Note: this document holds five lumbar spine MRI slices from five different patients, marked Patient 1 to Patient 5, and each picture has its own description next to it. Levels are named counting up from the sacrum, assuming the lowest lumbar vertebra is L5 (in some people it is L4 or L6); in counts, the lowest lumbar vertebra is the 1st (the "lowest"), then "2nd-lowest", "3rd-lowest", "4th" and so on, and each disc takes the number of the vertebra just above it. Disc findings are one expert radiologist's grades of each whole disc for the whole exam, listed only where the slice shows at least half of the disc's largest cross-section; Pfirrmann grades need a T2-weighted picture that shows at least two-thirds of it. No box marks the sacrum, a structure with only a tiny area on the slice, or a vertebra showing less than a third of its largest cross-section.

Patient 1 of 5:
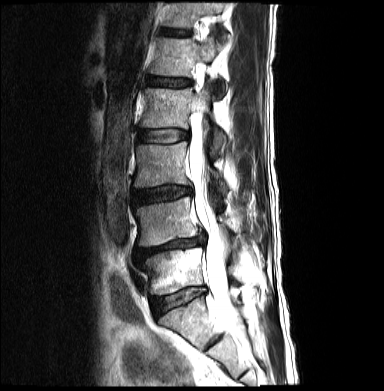 Sagittal slice index 11; Sagittal T2-weighted lumbar spine MRI; Sex M; 384x391 px

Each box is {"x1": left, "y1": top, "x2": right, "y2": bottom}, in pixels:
Disc L2/L3 = {"x1": 137, "y1": 129, "x2": 188, "y2": 142}.
L3 vertebra = {"x1": 134, "y1": 141, "x2": 228, "y2": 193}.
Spinal canal = {"x1": 189, "y1": 107, "x2": 238, "y2": 324}.
L1 = {"x1": 150, "y1": 36, "x2": 225, "y2": 94}.
L4 vertebra = {"x1": 135, "y1": 197, "x2": 239, "y2": 246}.
L2 vertebra = {"x1": 141, "y1": 87, "x2": 226, "y2": 151}.
L5/S1 = {"x1": 151, "y1": 287, "x2": 205, "y2": 313}.
Disc L1/L2 = {"x1": 146, "y1": 77, "x2": 191, "y2": 88}.
L5 = {"x1": 140, "y1": 248, "x2": 238, "y2": 294}.
L4/L5 = {"x1": 135, "y1": 236, "x2": 205, "y2": 261}.
Disc T12/L1 = {"x1": 161, "y1": 29, "x2": 191, "y2": 35}.
L3/L4 = {"x1": 133, "y1": 185, "x2": 191, "y2": 205}.
T12 = {"x1": 163, "y1": 3, "x2": 227, "y2": 40}.

Expert MSK radiologist gradings (per disc):
- L2/L3: Pfirrmann grade 2
- L3/L4: Pfirrmann grade 3, disc bulging, disc narrowing
- L1/L2: Pfirrmann grade 2
- L4/L5: Pfirrmann grade 5, Modic type II, disc bulging, disc narrowing, disc herniation, upper-endplate change, lower-endplate change
- L5/S1: Pfirrmann grade 2, Modic type II

Patient 2 of 5:
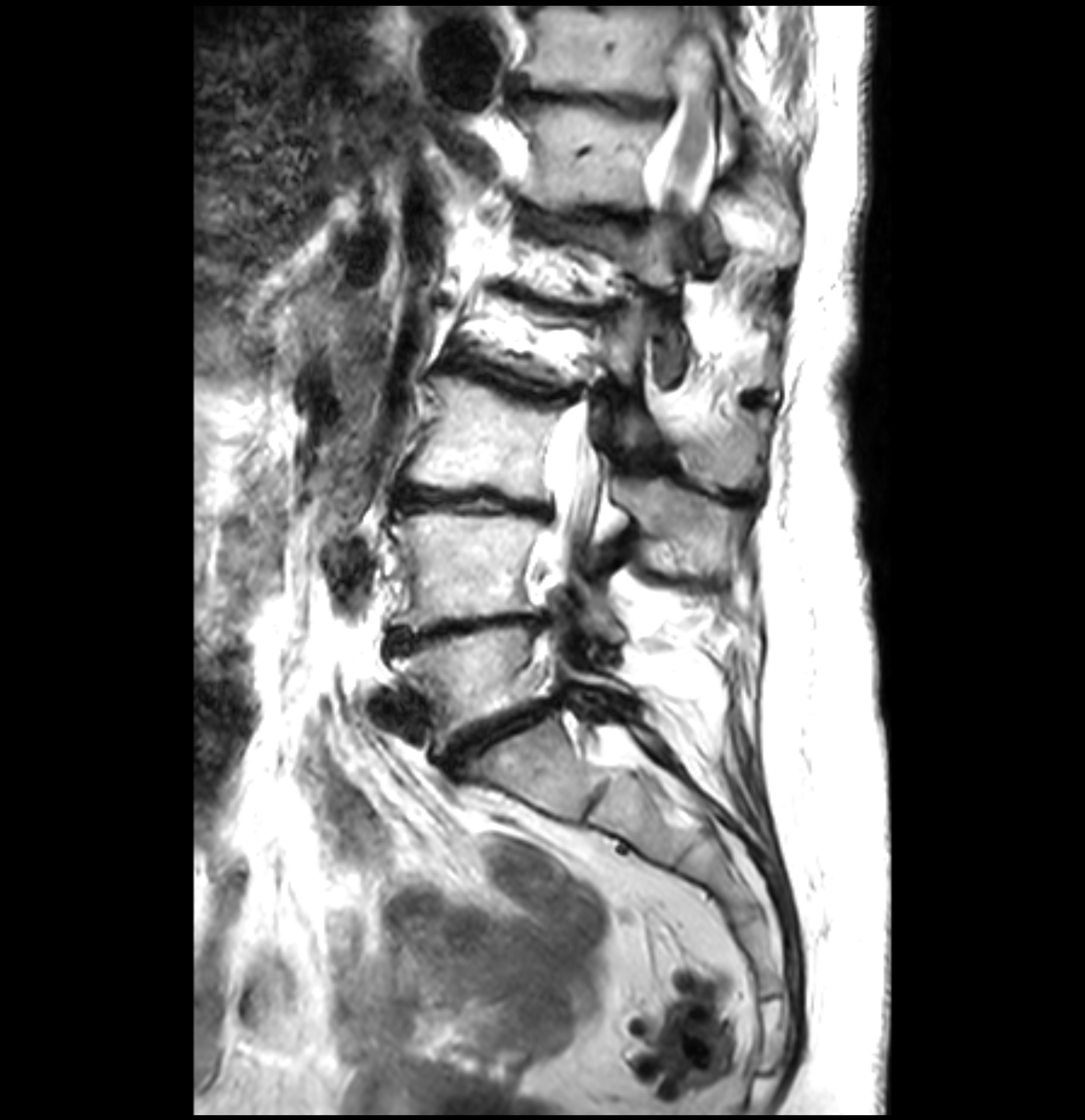 Lumbar spine MR, T2-weighted, sagittal. Slice 21/41.
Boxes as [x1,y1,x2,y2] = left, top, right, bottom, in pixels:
{"L1/L2 (5th disc)": "[516,290,598,314]", "T12 (6th vertebra)": "[516,100,797,266]", "disc T11/T12 (7th disc)": "[506,77,670,117]", "L3 (3rd-lowest vertebra)": "[409,376,743,571]", "disc L4/L5 (2nd-lowest disc)": "[387,614,547,648]", "L3/L4 (3rd-lowest disc)": "[400,488,549,517]", "T11 (7th vertebra)": "[521,11,758,116]", "L4 (2nd-lowest vertebra)": "[387,506,620,637]", "L5 (lowest vertebra)": "[390,623,617,755]", "disc L2/L3 (4th disc)": "[467,360,576,400]", "L5/S1 (lowest disc)": "[443,701,557,769]", "thecal sac / spinal canal": "[540,36,721,581]"}

Expert MSK radiologist gradings (per disc):
• T11/T12 (7th disc): Modic type II, disc narrowing, lower-endplate change, upper-endplate change, disc bulging
• L3/L4 (3rd-lowest disc): Modic type II, disc bulging, upper-endplate change, disc narrowing, lower-endplate change
• L5/S1 (lowest disc): Pfirrmann grade 5, lower-endplate change, disc bulging, disc herniation, upper-endplate change, Modic type II, disc narrowing
• L4/L5 (2nd-lowest disc): disc narrowing, disc bulging, upper-endplate change, lower-endplate change, Modic type II

Patient 3 of 5:
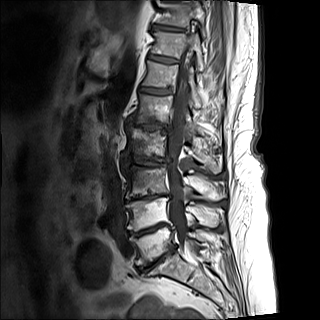

320x320 px; Lumbar spine MR, T1-weighted, sagittal; Slice spacing 4.8 mm

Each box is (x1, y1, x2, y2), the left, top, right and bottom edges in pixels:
{"3rd-lowest vertebra": "(123, 165, 226, 200)", "5th vertebra": "(130, 94, 201, 133)", "4th disc": "(127, 157, 168, 167)", "7th disc": "(148, 55, 178, 63)", "6th vertebra": "(142, 61, 202, 107)", "2nd-lowest vertebra": "(125, 198, 220, 231)", "5th disc": "(128, 122, 168, 131)", "2nd-lowest disc": "(127, 223, 168, 236)", "8th vertebra": "(158, 1, 207, 38)", "4th vertebra": "(123, 127, 221, 173)", "lowest disc": "(138, 247, 176, 270)", "6th disc": "(139, 87, 169, 94)", "7th vertebra": "(151, 31, 204, 70)", "8th disc": "(152, 25, 184, 31)", "3rd-lowest disc": "(125, 194, 169, 202)", "spinal canal": "(167, 46, 191, 244)", "lowest vertebra": "(129, 227, 220, 265)"}

Per-level radiological findings:
• 7th disc: upper-endplate change
• 8th disc: upper-endplate change
• 2nd-lowest disc: disc bulging, upper-endplate change, lower-endplate change, disc narrowing, Modic type II
• 4th disc: lower-endplate change, upper-endplate change, disc bulging, disc narrowing, Modic type I
• lowest disc: Modic type II, disc bulging, lower-endplate change, upper-endplate change, disc narrowing
• 5th disc: disc bulging, Modic type I, lower-endplate change, disc narrowing, upper-endplate change
• 6th disc: no spondylolisthesis, narrowing, bulging, herniation, Modic or endplate change recorded

Patient 4 of 5:
Slice 9 of 27. Sex F. Scanner: Philips Healthcare Ingenia (3T). MRI lumbar spine (T1-weighted), sagittal plane.

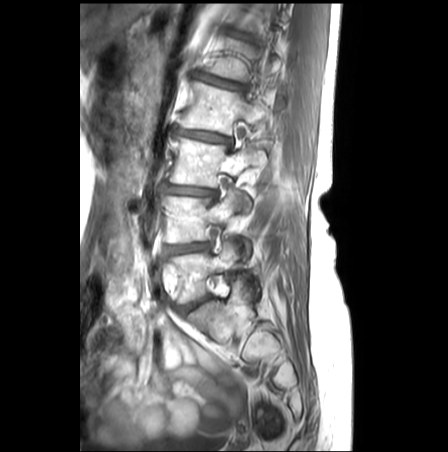 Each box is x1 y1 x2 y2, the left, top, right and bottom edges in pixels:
L4 vertebra at 165 191 251 260, L5/S1 at 177 295 210 313, L2 vertebra at 179 81 267 135, L3 at 170 137 264 187, L4/L5 at 165 243 208 254, L2/L3 at 176 129 230 142, L3/L4 at 165 184 216 196, L5 vertebra at 168 239 239 303, L1/L2 at 197 73 242 89.

Radiological gradings:
• L1/L2: lower-endplate change, upper-endplate change, disc bulging
• L4/L5: lower-endplate change, upper-endplate change, Modic type II, disc narrowing, disc bulging
• L3/L4: Modic type II, disc narrowing, disc bulging, lower-endplate change, upper-endplate change
• L2/L3: disc bulging, upper-endplate change, lower-endplate change, Modic type II, disc narrowing

Patient 5 of 5:
Sagittal T2 SPACE (3D) lumbar spine MRI; Sagittal slice index 60
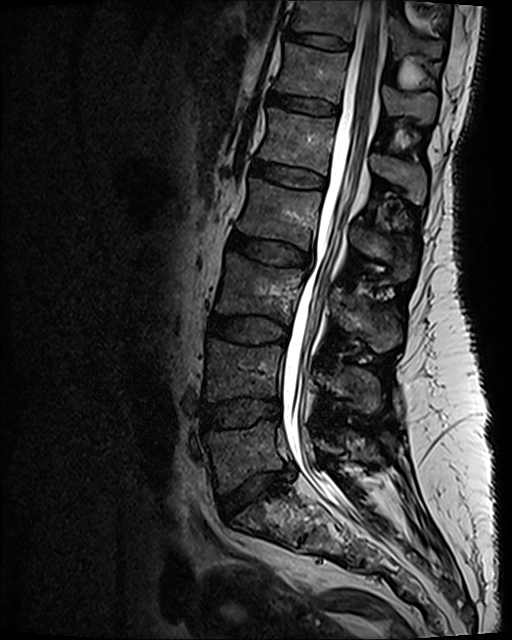
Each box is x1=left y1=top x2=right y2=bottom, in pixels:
IVD L4/L5 (2nd-lowest disc) — x1=199 y1=399 x2=280 y2=427 | T12/L1 (6th disc) — x1=269 y1=92 x2=337 y2=114 | T11/T12 (7th disc) — x1=285 y1=31 x2=350 y2=50 | L4 (2nd-lowest vertebra) — x1=204 y1=340 x2=380 y2=413 | IVD L1/L2 (5th disc) — x1=251 y1=161 x2=325 y2=187 | L2/L3 (4th disc) — x1=229 y1=232 x2=311 y2=266 | thecal sac / spinal canal — x1=282 y1=0 x2=386 y2=518 | L2 (4th vertebra) — x1=238 y1=179 x2=413 y2=279 | IVD L3/L4 (3rd-lowest disc) — x1=209 y1=315 x2=287 y2=343 | L1 (5th vertebra) — x1=258 y1=108 x2=426 y2=205 | T11 (7th vertebra) — x1=290 y1=0 x2=444 y2=57 | T12 (6th vertebra) — x1=275 y1=43 x2=437 y2=121 | IVD L5/S1 (lowest disc) — x1=221 y1=470 x2=289 y2=518 | L3 (3rd-lowest vertebra) — x1=215 y1=254 x2=400 y2=350 | L5 (lowest vertebra) — x1=206 y1=422 x2=373 y2=492

Radiological gradings:
• L4/L5 (2nd-lowest disc): Pfirrmann grade 3, disc bulging
• L1/L2 (5th disc): Pfirrmann grade 2
• T12/L1 (6th disc): Pfirrmann grade 2
• L5/S1 (lowest disc): Pfirrmann grade 3, lower-endplate change, disc narrowing, disc herniation, upper-endplate change
• T11/T12 (7th disc): Pfirrmann grade 2
• L2/L3 (4th disc): Pfirrmann grade 3, disc bulging
• L3/L4 (3rd-lowest disc): Pfirrmann grade 3